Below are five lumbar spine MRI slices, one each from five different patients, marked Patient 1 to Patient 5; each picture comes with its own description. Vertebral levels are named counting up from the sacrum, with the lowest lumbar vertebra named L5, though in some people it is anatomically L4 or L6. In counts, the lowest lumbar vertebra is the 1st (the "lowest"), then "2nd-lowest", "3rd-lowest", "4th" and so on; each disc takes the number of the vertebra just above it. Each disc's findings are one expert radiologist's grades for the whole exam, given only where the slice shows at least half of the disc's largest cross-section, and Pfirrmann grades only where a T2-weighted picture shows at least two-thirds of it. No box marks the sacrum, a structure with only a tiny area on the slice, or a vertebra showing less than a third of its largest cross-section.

Patient 1 of 5:
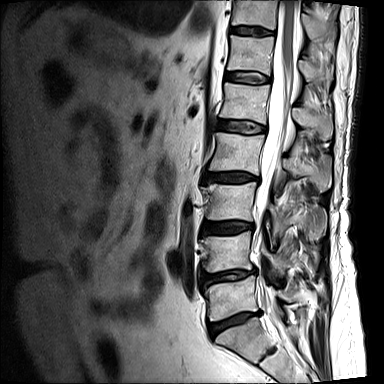
Slice 6/15; T2-weighted sagittal MRI of the lumbar spine; Image 384x384

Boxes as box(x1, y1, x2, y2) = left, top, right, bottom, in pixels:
Segmented structures:
* L2 — box(209, 132, 331, 191)
* IVD L1/L2 — box(218, 120, 265, 133)
* L1 — box(220, 83, 332, 140)
* L5 — box(204, 275, 296, 321)
* L3 vertebra — box(202, 182, 325, 238)
* L4/L5 — box(201, 270, 254, 286)
* T11 — box(232, 0, 329, 38)
* IVD T12/L1 — box(225, 72, 269, 83)
* IVD L3/L4 — box(203, 222, 253, 234)
* IVD L5/S1 — box(209, 312, 259, 336)
* T12 vertebra — box(227, 35, 332, 81)
* L4 — box(201, 231, 288, 275)
* spinal canal — box(254, 0, 298, 317)
* L2/L3 — box(204, 173, 258, 182)
* T11/T12 — box(231, 26, 273, 35)

Per-level radiological findings:
- T11/T12: Pfirrmann grade 4
- L3/L4: Pfirrmann grade 4, lower-endplate change, Modic type II, disc bulging, upper-endplate change
- L2/L3: Pfirrmann grade 4, lower-endplate change, disc bulging, Modic type II, upper-endplate change, disc narrowing
- T12/L1: Pfirrmann grade 3
- L1/L2: Pfirrmann grade 3
- L4/L5: Modic type II, disc narrowing, lower-endplate change, disc bulging, upper-endplate change
- L5/S1: Pfirrmann grade 4, Modic type II, disc narrowing, disc bulging, upper-endplate change, lower-endplate change

Patient 2 of 5:
SIEMENS Avanto_fit (1.5T); T1-weighted sagittal MRI of the lumbar spine 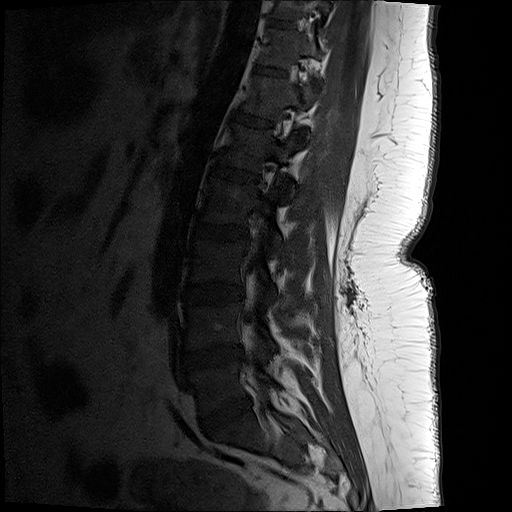

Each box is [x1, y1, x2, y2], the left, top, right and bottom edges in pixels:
3rd-lowest vertebra — [192, 239, 278, 296].
Lowest vertebra — [193, 361, 270, 414].
5th vertebra — [219, 123, 297, 193].
4th vertebra — [203, 177, 283, 252].
6th vertebra — [243, 74, 317, 137].
2nd-lowest disc — [187, 345, 244, 368].
Thecal sac / spinal canal — [246, 258, 257, 330].
7th disc — [253, 64, 286, 77].
8th vertebra — [272, 0, 331, 20].
6th disc — [234, 110, 274, 128].
7th vertebra — [259, 28, 319, 67].
Lowest disc — [202, 398, 252, 430].
8th disc — [271, 19, 295, 28].
5th disc — [209, 162, 262, 182].
4th disc — [193, 222, 249, 240].
3rd-lowest disc — [187, 283, 244, 303].
2nd-lowest vertebra — [187, 302, 277, 348].

Expert MSK radiologist gradings (per disc):
• 2nd-lowest disc: disc bulging, disc narrowing
• lowest disc: disc bulging, disc narrowing
• 4th disc, 3rd-lowest disc, 5th disc, 6th disc, 7th disc: no herniation, bulging, narrowing, spondylolisthesis, endplate or Modic change recorded

Patient 3 of 5:
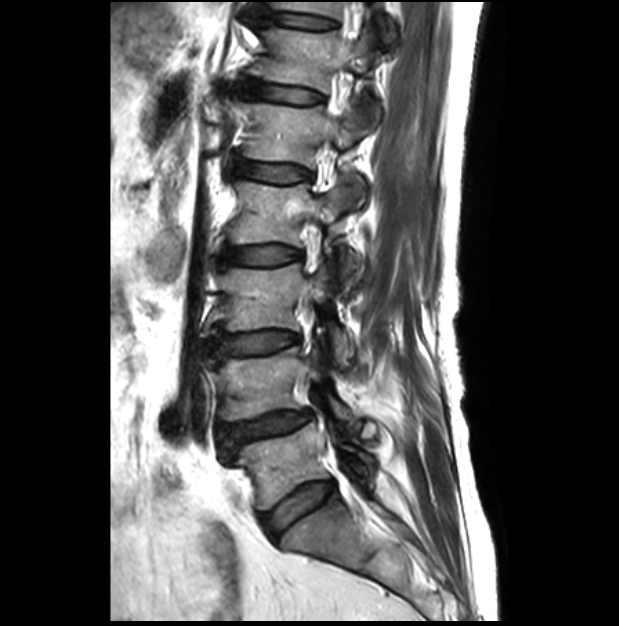 T2-weighted sagittal MRI of the lumbar spine | Slice 11/28
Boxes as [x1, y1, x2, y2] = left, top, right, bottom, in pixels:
3rd-lowest vertebra at [211, 264, 353, 368], 4th disc at [221, 246, 300, 266], 5th disc at [229, 153, 310, 182], 6th vertebra at [250, 29, 384, 125], 3rd-lowest disc at [210, 325, 297, 359], 4th vertebra at [229, 182, 358, 280], 2nd-lowest vertebra at [211, 347, 361, 431], 7th vertebra at [273, 1, 341, 17], 6th disc at [239, 81, 321, 102], 7th disc at [262, 12, 333, 29], lowest disc at [262, 481, 333, 536], 5th vertebra at [246, 103, 364, 204], 2nd-lowest disc at [222, 411, 310, 442], lowest vertebra at [235, 417, 375, 508].

Radiological gradings:
- 7th disc: Pfirrmann grade 1
- 6th disc: Pfirrmann grade 1
- lowest disc: Pfirrmann grade 2
- 3rd-lowest disc: Pfirrmann grade 1
- 2nd-lowest disc: Pfirrmann grade 3, spondylolisthesis, disc narrowing, lower-endplate change, upper-endplate change, disc bulging
- 5th disc, 4th disc: no Modic or endplate change, herniation, narrowing, bulging or spondylolisthesis recorded

Patient 4 of 5:
MRI lumbar spine (T2-weighted), sagittal plane, Sagittal slice index 9
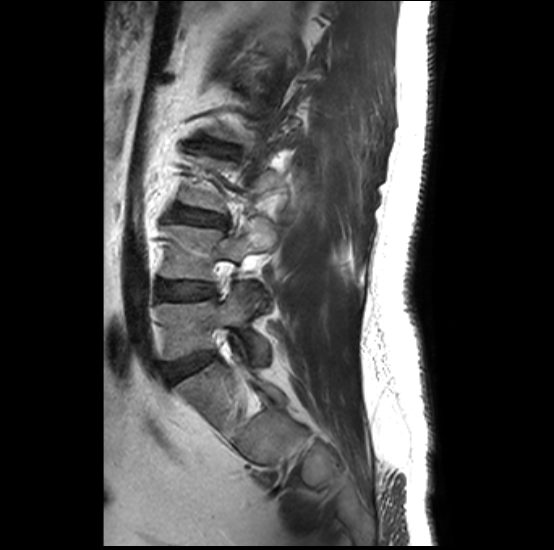 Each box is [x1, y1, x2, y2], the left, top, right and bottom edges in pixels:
L4 vertebra: [160, 222, 276, 280].
Intervertebral disc L3/L4: [173, 207, 227, 227].
Intervertebral disc L4/L5: [160, 281, 213, 299].
Intervertebral disc L2/L3: [201, 141, 236, 155].
Intervertebral disc L5/S1: [172, 353, 208, 376].
L5 vertebra: [157, 285, 266, 360].

Expert MSK radiologist gradings (per disc):
  L4/L5: Modic type II, lower-endplate change, upper-endplate change
  L3/L4: upper-endplate change, lower-endplate change, Modic type II

Patient 5 of 5:
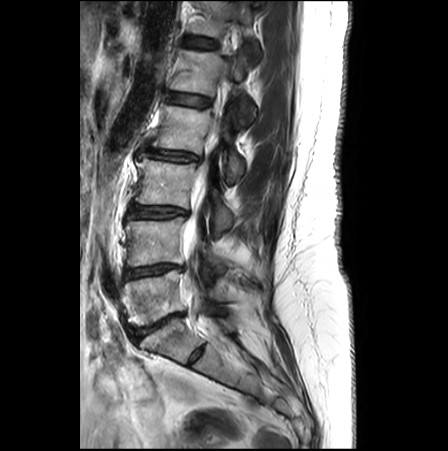 Slice 17 of 27. Sagittal T2-weighted lumbar spine MRI. Sex F.
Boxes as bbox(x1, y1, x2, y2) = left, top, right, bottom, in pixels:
Lowest vertebra at bbox(125, 269, 226, 326); 2nd-lowest vertebra at bbox(126, 216, 226, 272); 3rd-lowest vertebra at bbox(135, 156, 234, 233); 3rd-lowest disc at bbox(128, 205, 187, 218); lowest disc at bbox(133, 313, 182, 337); thecal sac / spinal canal at bbox(183, 116, 220, 334); 4th vertebra at bbox(152, 105, 244, 184); 2nd-lowest disc at bbox(122, 263, 183, 279); 5th disc at bbox(167, 92, 211, 107); 6th vertebra at bbox(190, 0, 259, 52); 4th disc at bbox(146, 147, 200, 161); 6th disc at bbox(184, 37, 217, 48); 5th vertebra at bbox(170, 49, 255, 124).

Degenerative findings by level:
• 3rd-lowest disc: Pfirrmann grade 2, disc bulging, Modic type II
• 5th disc: Pfirrmann grade 1
• 4th disc: Pfirrmann grade 2, disc narrowing, disc bulging
• 2nd-lowest disc: Pfirrmann grade 3, Modic type II, upper-endplate change, disc bulging, disc narrowing
• 6th disc: no Modic or endplate change, herniation, narrowing, bulging or spondylolisthesis recorded